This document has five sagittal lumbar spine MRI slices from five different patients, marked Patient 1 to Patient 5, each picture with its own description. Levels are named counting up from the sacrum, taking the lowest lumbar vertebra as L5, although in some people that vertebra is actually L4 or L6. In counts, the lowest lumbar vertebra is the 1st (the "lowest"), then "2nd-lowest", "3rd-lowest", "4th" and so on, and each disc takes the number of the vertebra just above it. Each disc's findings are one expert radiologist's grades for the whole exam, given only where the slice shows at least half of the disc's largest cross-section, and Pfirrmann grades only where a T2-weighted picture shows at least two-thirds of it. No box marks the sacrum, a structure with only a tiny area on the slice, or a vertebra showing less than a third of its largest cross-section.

Patient 1 of 5:
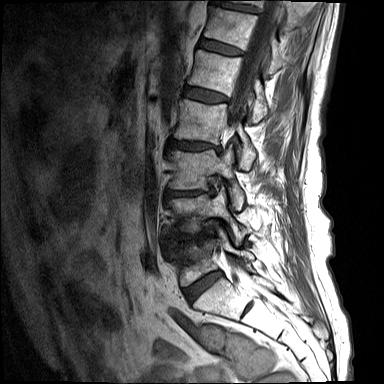

Sagittal T1-weighted lumbar spine MRI | Slice 5 of 15

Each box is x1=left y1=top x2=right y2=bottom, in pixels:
3rd-lowest disc: x1=166 y1=189 x2=213 y2=196 | 5th vertebra: x1=188 y1=50 x2=267 y2=122 | 4th disc: x1=168 y1=139 x2=219 y2=150 | lowest disc: x1=184 y1=271 x2=221 y2=301 | lowest vertebra: x1=171 y1=226 x2=254 y2=285 | 7th vertebra: x1=231 y1=0 x2=299 y2=29 | 2nd-lowest vertebra: x1=170 y1=188 x2=246 y2=242 | 4th vertebra: x1=173 y1=99 x2=256 y2=168 | thecal sac / spinal canal: x1=228 y1=0 x2=282 y2=128 | 6th disc: x1=199 y1=37 x2=243 y2=56 | 2nd-lowest disc: x1=179 y1=233 x2=205 y2=242 | 5th disc: x1=183 y1=85 x2=228 y2=102 | 3rd-lowest vertebra: x1=169 y1=145 x2=244 y2=209 | 7th disc: x1=211 y1=1 x2=256 y2=13 | 6th vertebra: x1=204 y1=6 x2=283 y2=75

Expert MSK radiologist gradings (per disc):
- 7th disc: upper-endplate change, lower-endplate change
- 4th disc: lower-endplate change, upper-endplate change, Modic type II, disc narrowing, disc bulging
- 2nd-lowest disc: disc bulging, disc narrowing, Modic type I, lower-endplate change, upper-endplate change
- lowest disc: Modic type II, disc bulging
- 6th disc, 5th disc: no Modic or endplate change, herniation, narrowing, bulging or spondylolisthesis recorded

Patient 2 of 5:
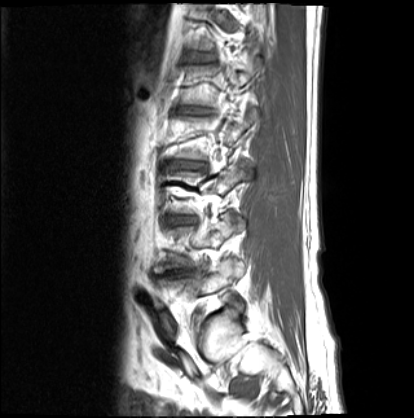 MRI lumbar spine (T1-weighted), sagittal plane | Field of view 260x262 mm
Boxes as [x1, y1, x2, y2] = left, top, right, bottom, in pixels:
Annotations:
- L2/L3 at [167, 161, 205, 168]
- L3/L4 at [168, 216, 196, 224]
- disc L1/L2 at [181, 108, 209, 113]
- L4/L5 at [163, 271, 193, 276]
- L1 at [181, 57, 262, 106]
- L5 vertebra at [158, 258, 244, 294]
- disc T12/L1 at [192, 53, 215, 61]
- L4 vertebra at [154, 213, 245, 272]

Per-level radiological findings:
  L2/L3: disc bulging, upper-endplate change, lower-endplate change, disc narrowing, Modic type II

Patient 3 of 5:
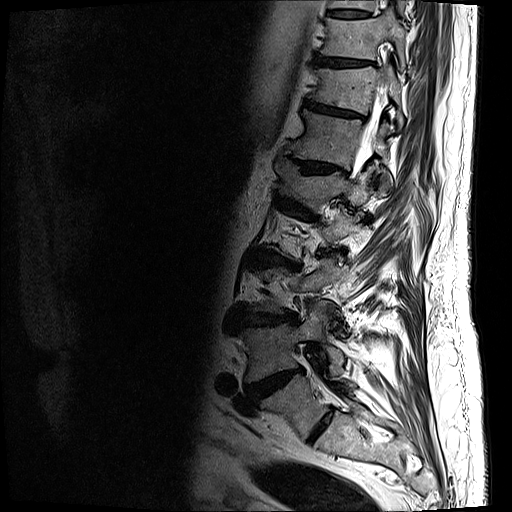 T2-weighted sagittal MRI of the lumbar spine, Slice spacing 3.3 mm
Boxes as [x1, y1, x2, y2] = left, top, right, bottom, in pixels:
IVD L3/L4 (3rd-lowest disc): [232, 308, 298, 327] | L1 (5th vertebra): [275, 157, 376, 204] | T10 (8th vertebra): [319, 9, 405, 65] | L4 (2nd-lowest vertebra): [242, 303, 344, 382] | T12/L1 (6th disc): [283, 146, 347, 174] | T11 (7th vertebra): [308, 65, 404, 128] | IVD L2/L3 (4th disc): [243, 249, 301, 269] | T11/T12 (7th disc): [305, 100, 365, 119] | thecal sac / spinal canal: [355, 86, 385, 170] | L1/L2 (5th disc): [275, 193, 314, 208] | T9/T10 (9th disc): [327, 10, 369, 17] | T12 (6th vertebra): [288, 109, 392, 191] | L5 (lowest vertebra): [261, 375, 355, 440] | L3 (3rd-lowest vertebra): [247, 258, 346, 324] | T9 (9th vertebra): [328, 0, 407, 10] | IVD L5/S1 (lowest disc): [307, 410, 332, 443] | IVD L4/L5 (2nd-lowest disc): [246, 368, 302, 402] | IVD T10/T11 (8th disc): [313, 55, 372, 67]

Per-level radiological findings:
  T10/T11 (8th disc): Pfirrmann grade 4, lower-endplate change, disc bulging, upper-endplate change
  T9/T10 (9th disc): Pfirrmann grade 3, lower-endplate change
  L2/L3 (4th disc): upper-endplate change, Modic type II, lower-endplate change, disc bulging, disc narrowing
  L3/L4 (3rd-lowest disc): Pfirrmann grade 4, disc narrowing, disc bulging, lower-endplate change, upper-endplate change
  T11/T12 (7th disc): disc narrowing, lower-endplate change, upper-endplate change, disc bulging
  L4/L5 (2nd-lowest disc): Pfirrmann grade 5, disc narrowing, lower-endplate change, disc bulging, upper-endplate change, disc herniation, Modic type II
  T12/L1 (6th disc): disc bulging, disc narrowing, lower-endplate change, upper-endplate change

Patient 4 of 5:
MRI lumbar spine (T2 SPACE (3D)), sagittal plane.

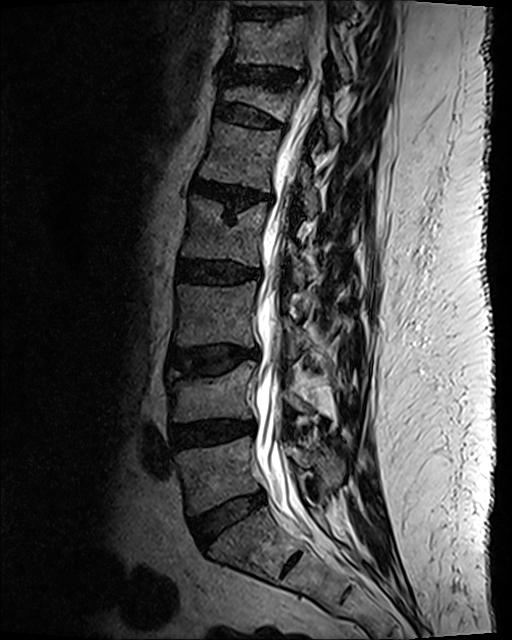

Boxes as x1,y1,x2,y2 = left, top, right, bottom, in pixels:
IVD T11/T12 (7th disc) at 226,68,297,88.
Spinal canal at 254,5,328,526.
IVD T12/L1 (6th disc) at 215,103,282,129.
L5 (lowest vertebra) at 176,437,345,514.
IVD L3/L4 (3rd-lowest disc) at 169,347,258,374.
L1 (5th vertebra) at 200,122,318,219.
L4 (2nd-lowest vertebra) at 166,362,309,422.
T11 (7th vertebra) at 231,16,349,81.
T12 (6th vertebra) at 223,79,339,148.
L1/L2 (5th disc) at 193,181,256,211.
IVD L5/S1 (lowest disc) at 192,490,265,546.
L3 (3rd-lowest vertebra) at 174,281,312,358.
L2/L3 (4th disc) at 178,260,260,285.
IVD T10/T11 (8th disc) at 237,10,300,19.
L2 (4th vertebra) at 182,198,308,288.
IVD L4/L5 (2nd-lowest disc) at 171,421,244,447.

Per-level radiological findings:
• L4/L5 (2nd-lowest disc): Pfirrmann grade 3, disc narrowing, disc bulging
• T12/L1 (6th disc): Pfirrmann grade 2, lower-endplate change, spondylolisthesis, upper-endplate change, disc bulging
• L5/S1 (lowest disc): Pfirrmann grade 2, disc bulging
• L3/L4 (3rd-lowest disc): Pfirrmann grade 3, disc bulging, lower-endplate change, Modic type II, upper-endplate change
• L2/L3 (4th disc): Pfirrmann grade 3, disc bulging, lower-endplate change
• T11/T12 (7th disc): Pfirrmann grade 2, disc bulging, disc narrowing, upper-endplate change, lower-endplate change
• L1/L2 (5th disc): Pfirrmann grade 3, upper-endplate change, lower-endplate change, disc bulging, disc narrowing, Modic type II

Patient 5 of 5:
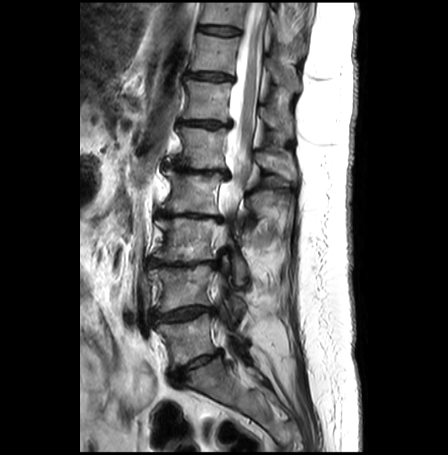 448x455 px. Slice 14/30. Lumbar spine MR, T2-weighted, sagittal.

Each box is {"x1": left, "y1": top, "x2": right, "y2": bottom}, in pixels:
T12 at {"x1": 183, "y1": 79, "x2": 292, "y2": 136}, L1 vertebra at {"x1": 167, "y1": 127, "x2": 297, "y2": 180}, intervertebral disc T10/T11 at {"x1": 199, "y1": 25, "x2": 239, "y2": 35}, T11 at {"x1": 191, "y1": 33, "x2": 301, "y2": 90}, intervertebral disc L3/L4 at {"x1": 148, "y1": 258, "x2": 216, "y2": 266}, L5/S1 at {"x1": 171, "y1": 350, "x2": 220, "y2": 381}, intervertebral disc L2/L3 at {"x1": 157, "y1": 211, "x2": 221, "y2": 221}, L4/L5 at {"x1": 153, "y1": 305, "x2": 214, "y2": 322}, intervertebral disc T12/L1 at {"x1": 181, "y1": 120, "x2": 229, "y2": 127}, L1/L2 at {"x1": 163, "y1": 163, "x2": 229, "y2": 177}, T11/T12 at {"x1": 189, "y1": 71, "x2": 232, "y2": 80}, L5 at {"x1": 157, "y1": 313, "x2": 246, "y2": 369}, L2 vertebra at {"x1": 163, "y1": 169, "x2": 271, "y2": 217}, L4 vertebra at {"x1": 148, "y1": 256, "x2": 245, "y2": 312}, spinal canal at {"x1": 216, "y1": 3, "x2": 265, "y2": 368}, L3 at {"x1": 153, "y1": 217, "x2": 248, "y2": 284}, T10 vertebra at {"x1": 200, "y1": 3, "x2": 305, "y2": 56}.

Per-level radiological findings:
• L4/L5: Pfirrmann grade 3, disc herniation, Modic type II, disc narrowing, upper-endplate change, lower-endplate change, disc bulging
• T12/L1: Pfirrmann grade 4, upper-endplate change, lower-endplate change, disc narrowing, Modic type II, disc bulging
• L1/L2: Pfirrmann grade 5, lower-endplate change, disc bulging, disc narrowing, upper-endplate change, Modic type II
• L5/S1: Pfirrmann grade 4, disc narrowing, disc bulging, upper-endplate change, Modic type II, lower-endplate change
• L2/L3: disc narrowing, lower-endplate change, disc bulging, upper-endplate change, Modic type II
• T10/T11: Pfirrmann grade 1
• T11/T12: Pfirrmann grade 2, disc bulging
• L3/L4: upper-endplate change, disc narrowing, lower-endplate change, disc bulging, Modic type II